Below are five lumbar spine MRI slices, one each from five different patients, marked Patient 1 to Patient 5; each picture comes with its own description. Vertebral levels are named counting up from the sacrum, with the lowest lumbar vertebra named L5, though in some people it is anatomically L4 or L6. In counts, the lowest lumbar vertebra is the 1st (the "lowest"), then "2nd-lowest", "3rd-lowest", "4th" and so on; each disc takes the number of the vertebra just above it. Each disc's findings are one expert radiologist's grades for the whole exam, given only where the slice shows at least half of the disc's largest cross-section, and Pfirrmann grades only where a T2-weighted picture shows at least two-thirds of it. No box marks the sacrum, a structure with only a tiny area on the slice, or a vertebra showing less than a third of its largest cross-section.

Patient 1 of 5:
Field of view 280x289 mm. Sex F. Sagittal T2-weighted lumbar spine MRI.

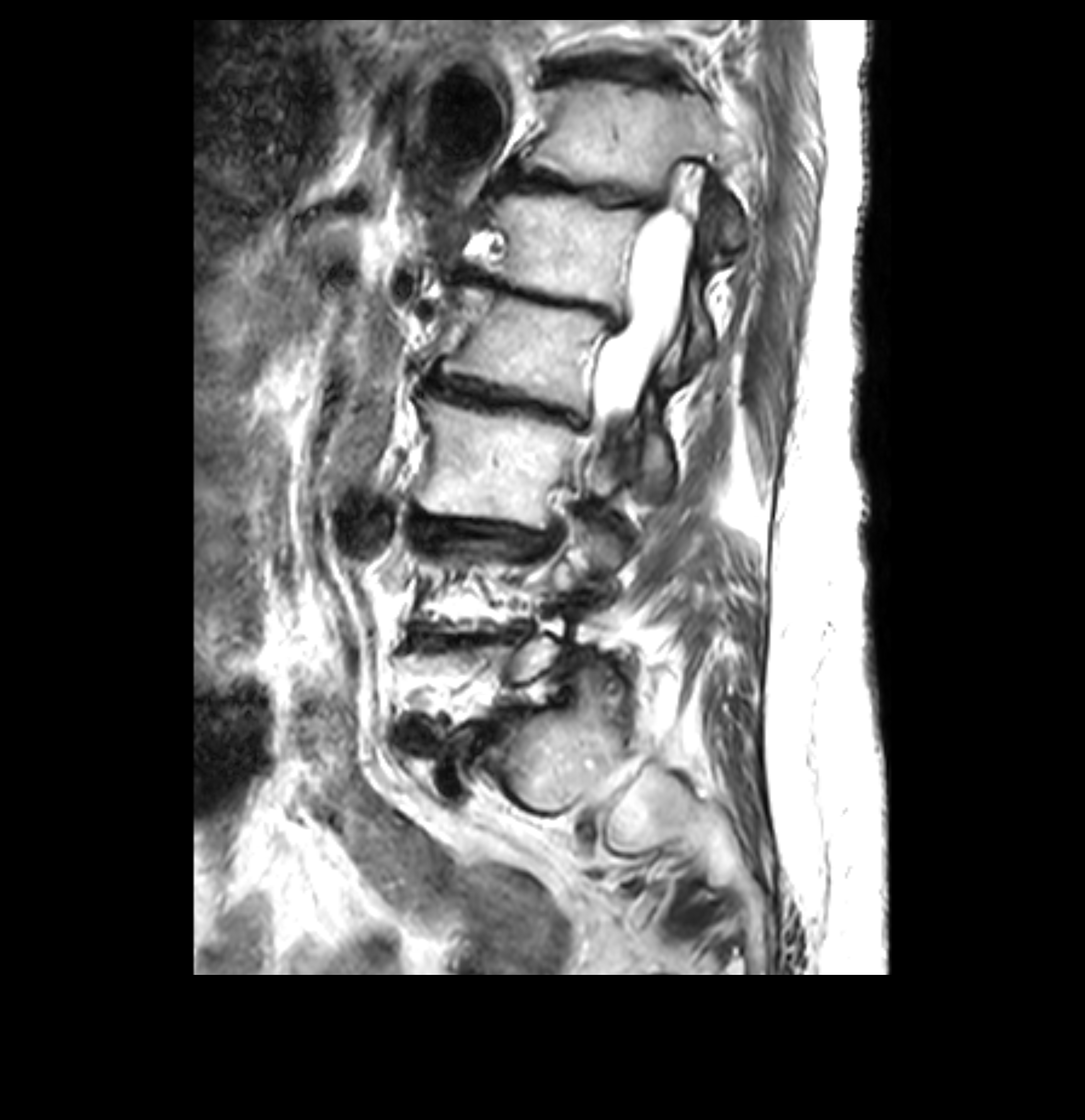
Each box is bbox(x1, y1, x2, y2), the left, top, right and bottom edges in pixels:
IVD L2/L3 (4th disc) at bbox(426, 368, 583, 427); IVD L1/L2 (5th disc) at bbox(458, 266, 615, 322); thecal sac / spinal canal at bbox(588, 164, 699, 441); L2 (4th vertebra) at bbox(443, 285, 668, 479); L1 (5th vertebra) at bbox(487, 192, 717, 350); IVD T11/T12 (7th disc) at bbox(542, 56, 680, 87); T12 (6th vertebra) at bbox(518, 80, 758, 250); IVD L4/L5 (2nd-lowest disc) at bbox(431, 629, 527, 643); L3 (3rd-lowest vertebra) at bbox(414, 392, 612, 527); IVD L3/L4 (3rd-lowest disc) at bbox(419, 521, 559, 545); T12/L1 (6th disc) at bbox(492, 170, 658, 209); IVD L5/S1 (lowest disc) at bbox(472, 722, 506, 743).

Per-level radiological findings:
• L3/L4 (3rd-lowest disc): Pfirrmann grade 5, Modic type II, disc bulging, upper-endplate change, disc narrowing, lower-endplate change
• T12/L1 (6th disc): lower-endplate change, disc bulging, disc narrowing, Modic type II, upper-endplate change
• T11/T12 (7th disc): Pfirrmann grade 5, disc narrowing, Modic type II, lower-endplate change, disc bulging, upper-endplate change

Patient 2 of 5:
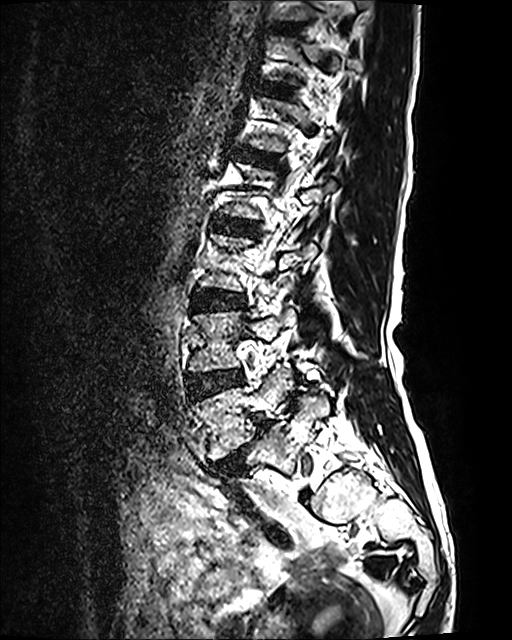
Sex F | MRI lumbar spine (T2 SPACE (3D)), sagittal plane | Slice 39 of 120
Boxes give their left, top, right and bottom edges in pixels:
7th disc: left=275, top=23, right=299, bottom=31
2nd-lowest vertebra: left=188, top=306, right=295, bottom=372
3rd-lowest disc: left=192, top=289, right=243, bottom=309
6th disc: left=264, top=83, right=289, bottom=95
4th disc: left=212, top=216, right=256, bottom=234
lowest vertebra: left=191, top=366, right=330, bottom=459
2nd-lowest disc: left=187, top=370, right=242, bottom=398
lowest disc: left=213, top=420, right=269, bottom=471
5th disc: left=238, top=148, right=277, bottom=165

Expert MSK radiologist gradings (per disc):
- 2nd-lowest disc: Pfirrmann grade 2
- lowest disc: disc narrowing, disc bulging, Modic type II, spondylolisthesis
- 4th disc, 3rd-lowest disc: no spondylolisthesis, narrowing, bulging, herniation, Modic or endplate change recorded

Patient 3 of 5:
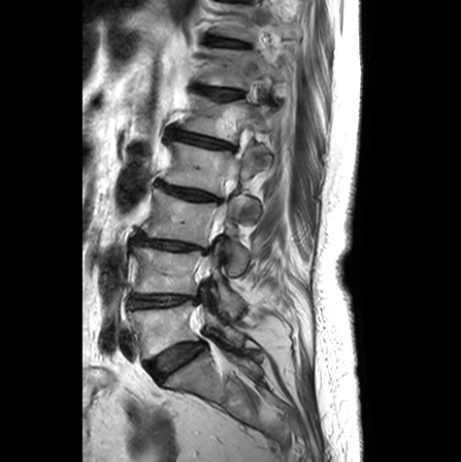 Sagittal slice index 8; Patient sex: F; Slice spacing 3.3 mm; Sagittal T2-weighted lumbar spine MRI
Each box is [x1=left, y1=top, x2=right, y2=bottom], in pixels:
- L1/L2: [x1=172, y1=130, x2=232, y2=148]
- L2: [x1=164, y1=142, x2=260, y2=217]
- L5 vertebra: [x1=129, y1=287, x2=242, y2=358]
- T11/T12: [x1=208, y1=38, x2=244, y2=47]
- L3: [x1=143, y1=187, x2=248, y2=276]
- L4: [x1=133, y1=243, x2=242, y2=315]
- T12: [x1=201, y1=48, x2=279, y2=87]
- IVD L2/L3: [x1=159, y1=182, x2=216, y2=199]
- L5/S1: [x1=148, y1=342, x2=205, y2=381]
- IVD L4/L5: [x1=129, y1=295, x2=196, y2=307]
- T12/L1: [x1=199, y1=87, x2=240, y2=98]
- T11: [x1=222, y1=4, x2=302, y2=40]
- L3/L4: [x1=133, y1=232, x2=207, y2=252]
- thecal sac / spinal canal: [x1=196, y1=210, x2=225, y2=323]
- L1: [x1=183, y1=93, x2=278, y2=169]

Per-level radiological findings:
• L5/S1: Pfirrmann grade 3, Modic type II
• L3/L4: Pfirrmann grade 5, upper-endplate change, lower-endplate change, disc narrowing, Modic type II
• L4/L5: Pfirrmann grade 2, disc narrowing, Modic type II
• L1/L2: Pfirrmann grade 3, lower-endplate change, disc narrowing, disc bulging, upper-endplate change
• L2/L3: Pfirrmann grade 3, upper-endplate change, lower-endplate change, disc narrowing
• T12/L1: Pfirrmann grade 2, upper-endplate change
• T11/T12: no Modic or endplate change, herniation, narrowing, bulging or spondylolisthesis recorded

Patient 4 of 5:
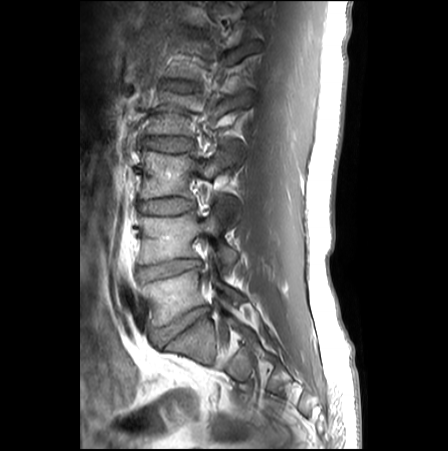 Sagittal slice index 18. Lumbar spine MR, T1-weighted, sagittal. Image 448x451. Field of view 280x282 mm.

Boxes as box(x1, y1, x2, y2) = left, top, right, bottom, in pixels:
4th disc: box(144, 137, 191, 152).
2nd-lowest vertebra: box(139, 210, 237, 271).
Lowest vertebra: box(143, 257, 243, 326).
3rd-lowest vertebra: box(140, 142, 240, 220).
2nd-lowest disc: box(139, 260, 201, 281).
3rd-lowest disc: box(140, 198, 194, 214).
4th vertebra: box(146, 87, 251, 136).
Lowest disc: box(154, 306, 209, 344).

Radiological gradings:
  2nd-lowest disc: disc bulging, disc narrowing
  lowest disc: disc narrowing, disc bulging
  4th disc, 3rd-lowest disc: no Modic or endplate change, herniation, narrowing, bulging or spondylolisthesis recorded

Patient 5 of 5:
Slice 15/25. Image 448x449. Sagittal T2-weighted lumbar spine MRI. 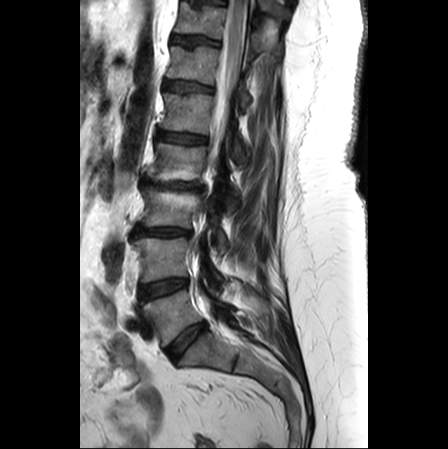

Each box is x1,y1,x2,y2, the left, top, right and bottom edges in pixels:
Annotations:
- 4th disc — 141,178,203,192
- 4th vertebra — 148,142,238,213
- 5th vertebra — 160,93,246,162
- 7th vertebra — 175,2,255,59
- 6th vertebra — 167,45,252,109
- lowest vertebra — 141,289,238,346
- lowest disc — 166,322,206,362
- 3rd-lowest disc — 134,227,191,238
- 6th disc — 164,80,212,92
- 5th disc — 157,130,207,142
- 7th disc — 172,35,218,45
- 2nd-lowest disc — 139,279,187,301
- 3rd-lowest vertebra — 142,186,225,250
- 2nd-lowest vertebra — 134,237,227,285
- thecal sac / spinal canal — 210,0,246,167

Expert MSK radiologist gradings (per disc):
  3rd-lowest disc: Pfirrmann grade 4, disc narrowing, disc bulging, lower-endplate change, upper-endplate change
  7th disc: Pfirrmann grade 3, upper-endplate change
  5th disc: Pfirrmann grade 2, disc bulging
  6th disc: Pfirrmann grade 2, upper-endplate change
  2nd-lowest disc: Pfirrmann grade 2, Modic type II, upper-endplate change, disc bulging, lower-endplate change
  lowest disc: Pfirrmann grade 2, disc bulging
  4th disc: Pfirrmann grade 5, Modic type II, disc narrowing, upper-endplate change, disc herniation, lower-endplate change